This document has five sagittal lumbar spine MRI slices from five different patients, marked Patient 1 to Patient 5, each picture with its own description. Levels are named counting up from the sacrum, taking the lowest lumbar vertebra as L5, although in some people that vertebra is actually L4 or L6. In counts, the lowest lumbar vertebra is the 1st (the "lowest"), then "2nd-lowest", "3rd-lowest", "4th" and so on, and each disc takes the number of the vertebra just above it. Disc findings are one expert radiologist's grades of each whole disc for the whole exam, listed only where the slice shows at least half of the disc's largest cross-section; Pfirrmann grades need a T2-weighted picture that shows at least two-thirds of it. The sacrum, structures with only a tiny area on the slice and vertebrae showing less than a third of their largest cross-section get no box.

Patient 1 of 5:
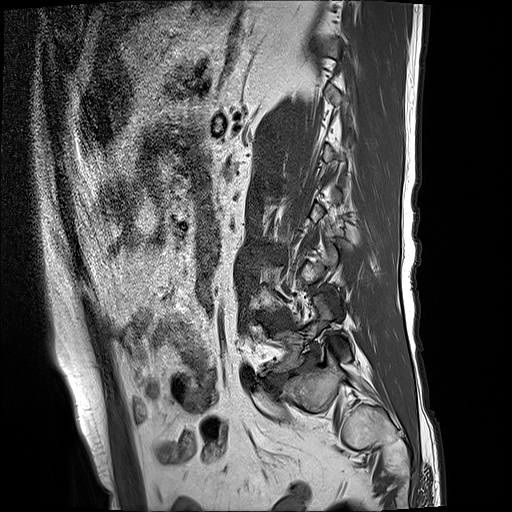

MRI lumbar spine (T1-weighted), sagittal plane

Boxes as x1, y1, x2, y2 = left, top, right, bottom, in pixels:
L5 vertebra at 271, 294, 351, 373; L3/L4 at 266, 249, 276, 257; disc L4/L5 at 263, 314, 292, 330; disc L5/S1 at 275, 355, 317, 380.

Patient 2 of 5:
Sex F; Sagittal T1-weighted lumbar spine MRI

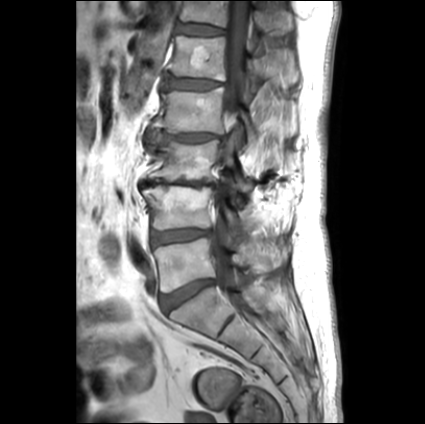 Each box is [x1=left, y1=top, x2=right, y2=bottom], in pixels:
Disc L1/L2: [x1=162, y1=71, x2=221, y2=90].
Disc L5/S1: [x1=161, y1=279, x2=213, y2=313].
L3: [x1=146, y1=139, x2=253, y2=191].
T12: [x1=181, y1=1, x2=293, y2=34].
Disc L4/L5: [x1=151, y1=229, x2=209, y2=247].
Thecal sac / spinal canal: [x1=211, y1=1, x2=247, y2=295].
L5: [x1=153, y1=238, x2=274, y2=292].
Disc L3/L4: [x1=142, y1=180, x2=217, y2=187].
L2/L3: [x1=147, y1=129, x2=220, y2=142].
Disc T12/L1: [x1=177, y1=23, x2=223, y2=35].
L4: [x1=142, y1=185, x2=255, y2=234].
L2: [x1=152, y1=87, x2=256, y2=145].
L1: [x1=168, y1=36, x2=300, y2=86].

Per-level radiological findings:
- L2/L3: disc bulging, disc narrowing, lower-endplate change, upper-endplate change
- L4/L5: disc bulging
- L5/S1: disc bulging
- L1/L2: lower-endplate change, upper-endplate change, disc bulging
- L3/L4: upper-endplate change, disc bulging, lower-endplate change, Modic type II, disc narrowing
- T12/L1: no Modic or endplate change, herniation, narrowing, bulging or spondylolisthesis recorded

Patient 3 of 5:
Slice 14/33; Lumbar spine MR, T2-weighted, sagittal

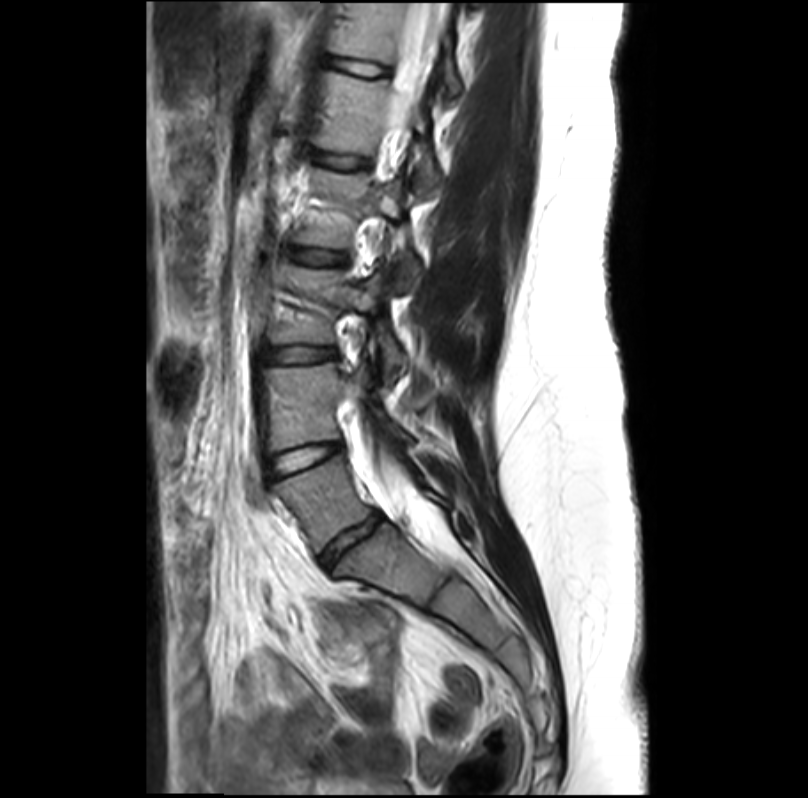
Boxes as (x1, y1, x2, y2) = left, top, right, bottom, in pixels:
3rd-lowest disc: (268, 346, 333, 361).
6th vertebra: (329, 3, 461, 97).
Thecal sac / spinal canal: (358, 3, 456, 555).
5th vertebra: (316, 72, 440, 191).
6th disc: (331, 59, 384, 76).
4th vertebra: (299, 170, 420, 295).
Lowest vertebra: (277, 455, 451, 551).
5th disc: (316, 153, 367, 169).
Lowest disc: (321, 514, 381, 564).
2nd-lowest disc: (273, 443, 340, 474).
2nd-lowest vertebra: (266, 364, 413, 450).
3rd-lowest vertebra: (271, 266, 406, 387).
4th disc: (294, 249, 345, 264).

Expert MSK radiologist gradings (per disc):
- 3rd-lowest disc: disc bulging
- lowest disc: Pfirrmann grade 3, disc narrowing
- 2nd-lowest disc, 5th disc, 6th disc: no Modic or endplate change, herniation, narrowing, bulging or spondylolisthesis recorded

Patient 4 of 5:
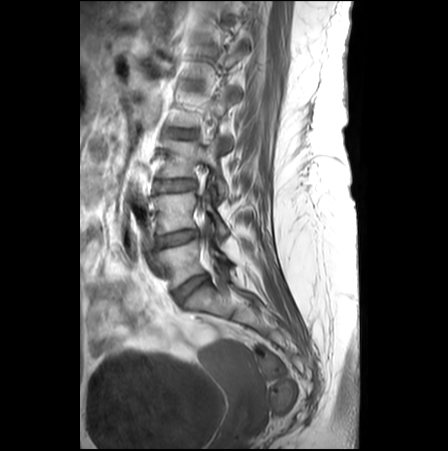
Sex F | Sagittal T1-weighted lumbar spine MRI

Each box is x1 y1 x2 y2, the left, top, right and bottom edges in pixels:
4th disc at 166 129 195 136 | 3rd-lowest vertebra at 158 138 229 198 | lowest vertebra at 159 240 231 287 | lowest disc at 173 274 207 303 | 2nd-lowest disc at 157 229 198 247 | 3rd-lowest disc at 154 180 195 190 | 2nd-lowest vertebra at 154 191 228 238

Expert MSK radiologist gradings (per disc):
- 2nd-lowest disc: disc narrowing
- 3rd-lowest disc, lowest disc: no spondylolisthesis, narrowing, bulging, herniation, Modic or endplate change recorded

Patient 5 of 5:
T2-weighted sagittal MRI of the lumbar spine. Slice 10/25.

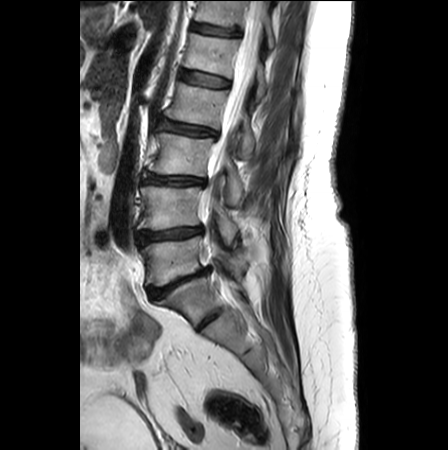
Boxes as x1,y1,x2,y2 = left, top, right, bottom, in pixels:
L3 (3rd-lowest vertebra) at 149,133,242,205; L2 (4th vertebra) at 165,83,254,157; L2/L3 (4th disc) at 155,117,216,136; intervertebral disc L1/L2 (5th disc) at 179,70,229,87; L5 (lowest vertebra) at 141,235,247,285; intervertebral disc L4/L5 (2nd-lowest disc) at 140,226,202,242; T12/L1 (6th disc) at 192,23,238,35; thecal sac / spinal canal at 202,1,264,210; T12 (6th vertebra) at 196,1,274,48; L4 (2nd-lowest vertebra) at 139,176,237,249; L1 (5th vertebra) at 184,33,266,100; intervertebral disc L5/S1 (lowest disc) at 149,267,210,297; intervertebral disc L3/L4 (3rd-lowest disc) at 145,174,205,185.

Per-level radiological findings:
• T12/L1 (6th disc): Pfirrmann grade 2, lower-endplate change
• L3/L4 (3rd-lowest disc): Pfirrmann grade 3, disc bulging, upper-endplate change, lower-endplate change, disc narrowing, Modic type II
• L5/S1 (lowest disc): Pfirrmann grade 5, lower-endplate change, disc bulging, upper-endplate change, Modic type II, disc narrowing
• L2/L3 (4th disc): Pfirrmann grade 2, disc narrowing, Modic type II, upper-endplate change, lower-endplate change, disc bulging
• L1/L2 (5th disc): Pfirrmann grade 1
• L4/L5 (2nd-lowest disc): Pfirrmann grade 3, lower-endplate change, disc narrowing, disc bulging, Modic type II, upper-endplate change